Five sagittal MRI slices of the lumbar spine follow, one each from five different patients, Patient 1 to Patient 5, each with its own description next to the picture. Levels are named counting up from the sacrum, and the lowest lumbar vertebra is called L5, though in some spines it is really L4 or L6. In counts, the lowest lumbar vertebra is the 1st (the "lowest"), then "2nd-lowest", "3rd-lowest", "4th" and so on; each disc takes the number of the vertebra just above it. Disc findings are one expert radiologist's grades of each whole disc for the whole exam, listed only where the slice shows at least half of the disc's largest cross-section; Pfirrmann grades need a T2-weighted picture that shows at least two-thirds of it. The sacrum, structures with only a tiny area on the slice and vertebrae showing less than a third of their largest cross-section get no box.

Patient 1 of 5:
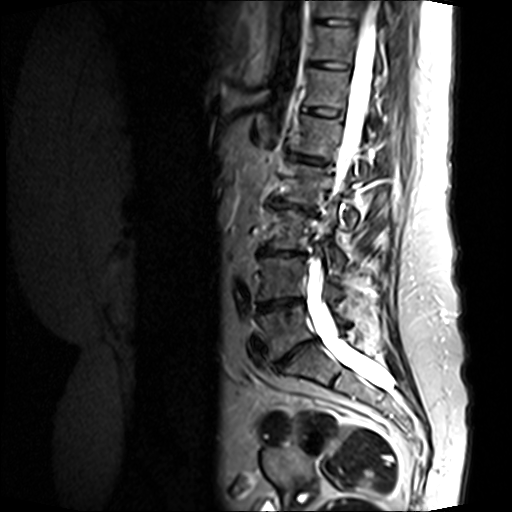 T2-weighted sagittal MRI of the lumbar spine.
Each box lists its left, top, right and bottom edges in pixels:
thecal sac / spinal canal: left=306, top=2, right=392, bottom=389
intervertebral disc T12/L1: left=302, top=106, right=341, bottom=117
L3: left=269, top=207, right=344, bottom=263
intervertebral disc T11/T12: left=308, top=60, right=350, bottom=70
intervertebral disc L5/S1: left=276, top=338, right=317, bottom=368
L1 vertebra: left=292, top=114, right=378, bottom=179
L4: left=257, top=256, right=343, bottom=300
T12 vertebra: left=304, top=67, right=376, bottom=116
L2/L3: left=273, top=200, right=314, bottom=214
intervertebral disc L4/L5: left=257, top=298, right=303, bottom=312
intervertebral disc L1/L2: left=288, top=153, right=330, bottom=165
intervertebral disc L3/L4: left=260, top=246, right=306, bottom=256
L2: left=284, top=162, right=357, bottom=223
L5: left=257, top=304, right=346, bottom=359
T11: left=311, top=25, right=381, bottom=69

Radiological gradings:
  L1/L2: Pfirrmann grade 4, disc narrowing, Modic type II, disc bulging, upper-endplate change, lower-endplate change
  T12/L1: Pfirrmann grade 3
  L2/L3: Pfirrmann grade 5, Modic type II, upper-endplate change, disc narrowing, disc bulging, lower-endplate change
  L5/S1: Pfirrmann grade 5, disc bulging, lower-endplate change, Modic type II, disc narrowing, upper-endplate change
  T11/T12: Pfirrmann grade 2
  L4/L5: Pfirrmann grade 4, disc bulging, Modic type II, lower-endplate change, disc narrowing, upper-endplate change
  L3/L4: disc bulging, upper-endplate change, Modic type II, lower-endplate change, disc narrowing

Patient 2 of 5:
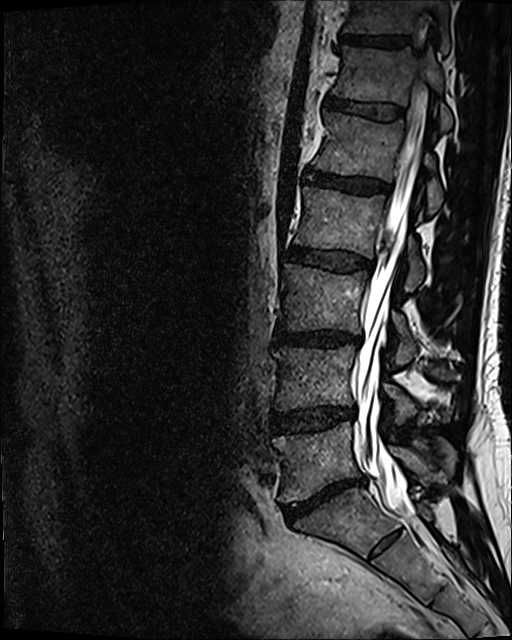
Slice 73 of 120, MRI lumbar spine (T2 SPACE (3D)), sagittal plane, Sex M

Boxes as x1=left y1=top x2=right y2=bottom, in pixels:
T11/T12 (7th disc) at x1=342 y1=33 x2=408 y2=48, L2 (4th vertebra) at x1=294 y1=187 x2=424 y2=292, T11 (7th vertebra) at x1=344 y1=0 x2=451 y2=53, spinal canal at x1=357 y1=111 x2=426 y2=536, IVD T12/L1 (6th disc) at x1=326 y1=97 x2=404 y2=119, L4/L5 (2nd-lowest disc) at x1=271 y1=407 x2=355 y2=432, L1 (5th vertebra) at x1=314 y1=112 x2=442 y2=213, L2/L3 (4th disc) at x1=289 y1=247 x2=373 y2=271, L4 (2nd-lowest vertebra) at x1=272 y1=346 x2=416 y2=424, L3 (3rd-lowest vertebra) at x1=281 y1=264 x2=415 y2=365, L3/L4 (3rd-lowest disc) at x1=273 y1=331 x2=361 y2=346, L5/S1 (lowest disc) at x1=284 y1=476 x2=365 y2=521, T12 (6th vertebra) at x1=333 y1=46 x2=452 y2=130, L5 (lowest vertebra) at x1=272 y1=422 x2=455 y2=504, IVD L1/L2 (5th disc) at x1=305 y1=167 x2=390 y2=193.

Per-level radiological findings:
- T11/T12 (7th disc): Pfirrmann grade 4
- L4/L5 (2nd-lowest disc): Pfirrmann grade 3, disc bulging, disc narrowing
- L2/L3 (4th disc): Pfirrmann grade 3, disc bulging
- L3/L4 (3rd-lowest disc): Pfirrmann grade 4, lower-endplate change, disc bulging, disc narrowing
- L5/S1 (lowest disc): Pfirrmann grade 5, disc narrowing, disc bulging, Modic type II
- T12/L1 (6th disc): Pfirrmann grade 3
- L1/L2 (5th disc): Pfirrmann grade 4

Patient 3 of 5:
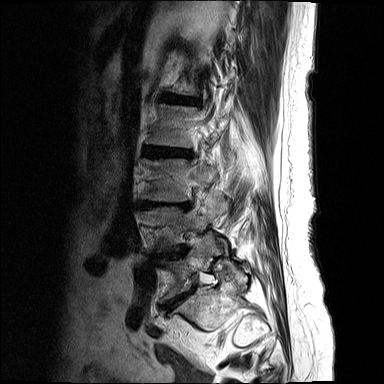
Lumbar spine MR, T2-weighted, sagittal, Image 384x384
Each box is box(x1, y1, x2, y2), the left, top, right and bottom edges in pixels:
Structures:
* L5 vertebra: box(163, 237, 220, 298)
* intervertebral disc L2/L3: box(144, 146, 188, 157)
* L1/L2: box(166, 96, 190, 103)
* L4/L5: box(163, 252, 179, 257)
* intervertebral disc L3/L4: box(141, 201, 186, 208)
* L5/S1: box(167, 297, 181, 309)

Radiological gradings:
• L2/L3: Pfirrmann grade 5, Modic type II, lower-endplate change, upper-endplate change, disc narrowing, disc bulging
• L3/L4: upper-endplate change, disc bulging, disc narrowing, lower-endplate change, Modic type II

Patient 4 of 5:
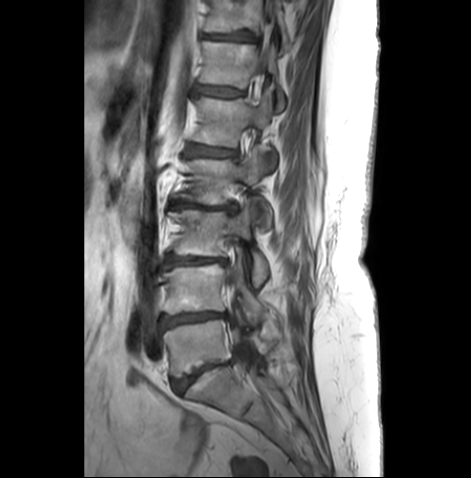

MRI lumbar spine (T1-weighted), sagittal plane
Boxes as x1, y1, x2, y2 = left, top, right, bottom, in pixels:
thecal sac / spinal canal: 228, 0, 274, 378 | T11/T12: 206, 34, 255, 40 | T12/L1: 200, 85, 242, 96 | L1/L2: 188, 144, 234, 155 | L3: 171, 198, 269, 284 | L1 vertebra: 194, 88, 276, 169 | IVD L4/L5: 163, 310, 225, 326 | L5/S1: 174, 363, 227, 392 | L2 vertebra: 180, 145, 273, 229 | L5: 163, 318, 272, 375 | L3/L4: 167, 255, 228, 266 | L2/L3: 171, 201, 238, 211 | L4 vertebra: 165, 259, 267, 322 | T12 vertebra: 201, 40, 285, 110 | T11: 205, 0, 290, 47

Per-level radiological findings:
• T11/T12: lower-endplate change, disc bulging, upper-endplate change
• L5/S1: Modic type II, disc narrowing, disc bulging
• L3/L4: disc bulging, disc narrowing, Modic type II
• T12/L1: lower-endplate change, disc bulging, upper-endplate change
• L4/L5: upper-endplate change, Modic type II, disc narrowing, lower-endplate change, disc bulging
• L1/L2: disc bulging, lower-endplate change, upper-endplate change, Modic type II
• L2/L3: lower-endplate change, disc bulging, Modic type II, disc narrowing, upper-endplate change

Patient 5 of 5:
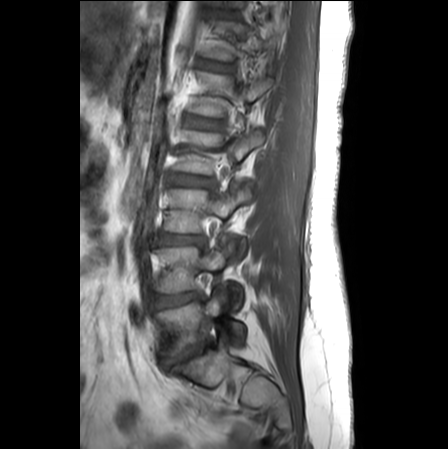 Patient sex: F; Sagittal T1-weighted lumbar spine MRI

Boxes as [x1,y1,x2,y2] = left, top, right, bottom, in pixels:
L3 (3rd-lowest vertebra): [165,182,252,255]
L2 (4th vertebra): [178,130,264,173]
L3/L4 (3rd-lowest disc): [161,235,203,244]
IVD T12/L1 (6th disc): [200,61,230,71]
L4 (2nd-lowest vertebra): [156,237,242,307]
L5 (lowest vertebra): [157,289,245,356]
L1 (5th vertebra): [192,72,273,116]
IVD L4/L5 (2nd-lowest disc): [156,292,200,307]
IVD L5/S1 (lowest disc): [163,339,211,367]
IVD L1/L2 (5th disc): [190,116,220,129]
L2/L3 (4th disc): [172,175,213,186]

Per-level radiological findings:
• L2/L3 (4th disc): disc bulging
• L4/L5 (2nd-lowest disc): disc narrowing, disc bulging
• L3/L4 (3rd-lowest disc): disc bulging
• L1/L2 (5th disc): no herniation, bulging, narrowing, spondylolisthesis, endplate or Modic change recorded